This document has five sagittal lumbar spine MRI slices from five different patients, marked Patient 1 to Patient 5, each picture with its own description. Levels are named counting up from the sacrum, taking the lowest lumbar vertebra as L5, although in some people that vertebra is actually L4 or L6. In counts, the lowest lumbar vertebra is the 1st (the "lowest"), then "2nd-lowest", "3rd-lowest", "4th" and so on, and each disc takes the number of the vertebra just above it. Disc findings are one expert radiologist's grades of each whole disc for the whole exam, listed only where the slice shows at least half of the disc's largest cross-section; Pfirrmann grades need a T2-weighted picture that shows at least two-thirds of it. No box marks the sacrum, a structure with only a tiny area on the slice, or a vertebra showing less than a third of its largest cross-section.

Patient 1 of 5:
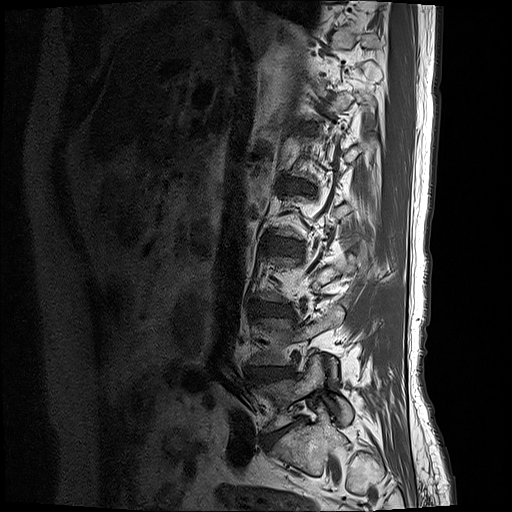
T1-weighted sagittal MRI of the lumbar spine. Field of view 300x300 mm, slice spacing 3.3 mm. Slice 18/19.

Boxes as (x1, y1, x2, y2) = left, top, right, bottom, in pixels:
L4/L5 = (249, 368, 292, 382).
L3/L4 = (250, 301, 292, 316).
L1/L2 = (283, 179, 312, 193).
L5/S1 = (261, 418, 303, 447).
Disc L2/L3 = (267, 237, 303, 257).
L5 = (257, 355, 353, 431).

Patient 2 of 5:
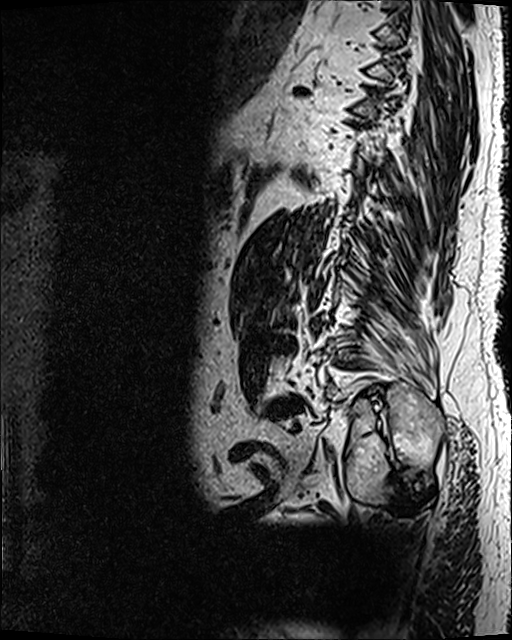 Slice spacing 0.9 mm; Sex M; Image 512x640; Sagittal slice index 27; Lumbar spine MR, T2 SPACE (3D), sagittal

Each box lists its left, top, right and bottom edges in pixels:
intervertebral disc L4/L5 = left=266, top=397, right=305, bottom=419 | L3/L4 = left=265, top=336, right=295, bottom=352

Patient 3 of 5:
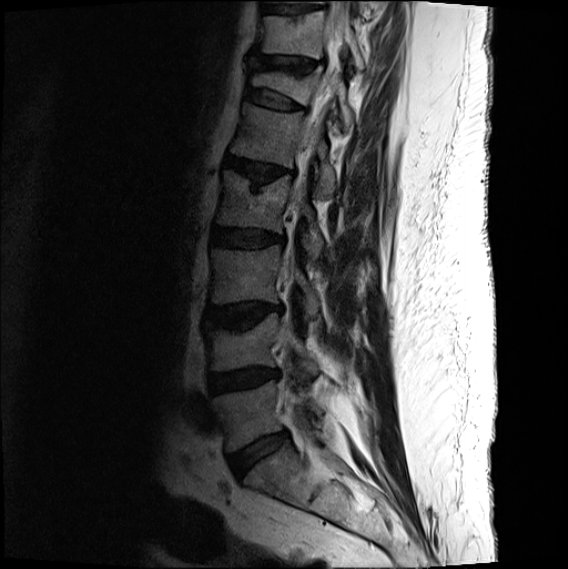
Lumbar spine MR, T2-weighted, sagittal; Slice spacing 3.3 mm
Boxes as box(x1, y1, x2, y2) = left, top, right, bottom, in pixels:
Lowest disc at box(228, 432, 288, 478); 7th disc at box(247, 52, 323, 72); 3rd-lowest disc at box(205, 302, 283, 327); 6th disc at box(245, 87, 304, 109); 5th vertebra at box(230, 102, 336, 196); 2nd-lowest disc at box(207, 368, 280, 393); 6th vertebra at box(247, 64, 355, 134); lowest vertebra at box(213, 380, 322, 451); 4th vertebra at box(216, 170, 324, 263); 5th disc at box(224, 156, 294, 180); 4th disc at box(211, 227, 284, 247); 7th vertebra at box(255, 10, 366, 71); 3rd-lowest vertebra at box(209, 245, 320, 318); spinal canal at box(282, 0, 348, 325); 2nd-lowest vertebra at box(205, 313, 320, 376).

Per-level radiological findings:
- 2nd-lowest disc: Pfirrmann grade 3, disc bulging, disc narrowing
- 7th disc: Pfirrmann grade 2, disc narrowing, upper-endplate change, disc bulging, lower-endplate change
- lowest disc: Pfirrmann grade 2, disc bulging
- 6th disc: Pfirrmann grade 2, lower-endplate change, spondylolisthesis, disc bulging, upper-endplate change
- 4th disc: Pfirrmann grade 3, lower-endplate change, disc bulging
- 5th disc: Pfirrmann grade 3, upper-endplate change, Modic type II, lower-endplate change, disc bulging, disc narrowing
- 3rd-lowest disc: Pfirrmann grade 3, lower-endplate change, upper-endplate change, disc bulging, Modic type II

Patient 4 of 5:
Sagittal T2-weighted lumbar spine MRI, Slice 14 of 20

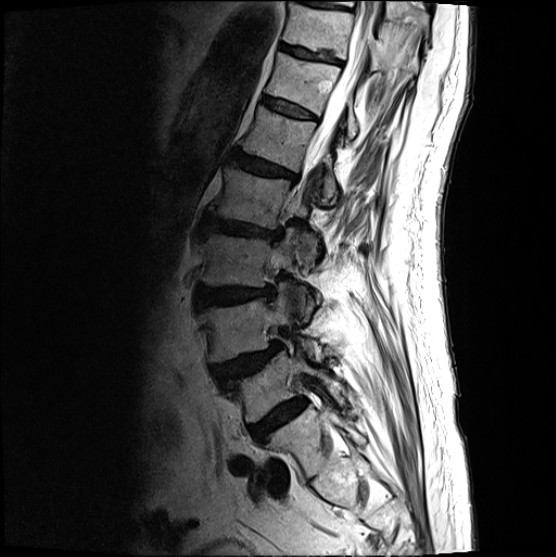
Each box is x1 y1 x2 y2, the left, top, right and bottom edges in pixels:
{"lowest vertebra": "227 351 343 422", "7th vertebra": "282 2 418 78", "3rd-lowest disc": "195 286 273 307", "2nd-lowest disc": "212 341 282 384", "5th disc": "228 150 296 181", "2nd-lowest vertebra": "200 284 324 362", "3rd-lowest vertebra": "199 228 314 320", "lowest disc": "249 398 306 442", "5th vertebra": "241 104 338 204", "spinal canal": "292 0 377 209", "7th disc": "280 42 341 63", "4th disc": "201 212 282 240", "6th disc": "262 95 317 119", "4th vertebra": "209 166 318 262", "6th vertebra": "265 52 358 140"}

Expert MSK radiologist gradings (per disc):
- 2nd-lowest disc: Pfirrmann grade 4, spondylolisthesis, upper-endplate change, disc herniation
- 4th disc: Pfirrmann grade 4, disc bulging, upper-endplate change, lower-endplate change, disc narrowing
- lowest disc: Pfirrmann grade 4
- 5th disc: Pfirrmann grade 4, upper-endplate change, lower-endplate change, disc bulging
- 7th disc: Pfirrmann grade 3, lower-endplate change
- 3rd-lowest disc: Pfirrmann grade 4, disc bulging
- 6th disc: Pfirrmann grade 3

Patient 5 of 5:
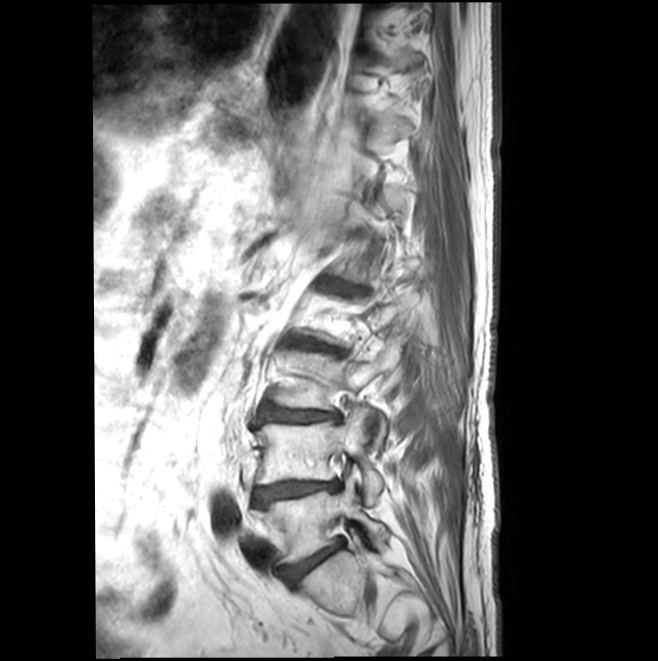 Slice 16 of 22, Sagittal T1-weighted lumbar spine MRI, 658x661 px, Field of view 308x310 mm, slice spacing 4.4 mm
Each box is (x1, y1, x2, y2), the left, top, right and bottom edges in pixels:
L1/L2 at (320, 280, 365, 293), L5 at (258, 479, 387, 562), L4/L5 at (254, 481, 339, 506), L4 at (256, 407, 382, 503), L3 vertebra at (275, 341, 399, 439), L2/L3 at (299, 344, 339, 353), IVD L5/S1 at (283, 543, 341, 582), L3/L4 at (258, 407, 339, 422).

Per-level radiological findings:
• L4/L5: disc narrowing, lower-endplate change, Modic type II, upper-endplate change, disc bulging
• L3/L4: disc narrowing, disc bulging, lower-endplate change, upper-endplate change, Modic type II